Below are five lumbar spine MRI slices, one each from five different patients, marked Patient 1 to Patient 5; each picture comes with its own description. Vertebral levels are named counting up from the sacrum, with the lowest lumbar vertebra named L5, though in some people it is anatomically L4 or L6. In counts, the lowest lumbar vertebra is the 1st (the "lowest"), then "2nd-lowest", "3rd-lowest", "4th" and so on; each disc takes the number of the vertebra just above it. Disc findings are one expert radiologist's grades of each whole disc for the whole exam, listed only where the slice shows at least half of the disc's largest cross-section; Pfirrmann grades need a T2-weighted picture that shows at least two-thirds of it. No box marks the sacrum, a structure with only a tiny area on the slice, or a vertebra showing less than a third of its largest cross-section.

Patient 1 of 5:
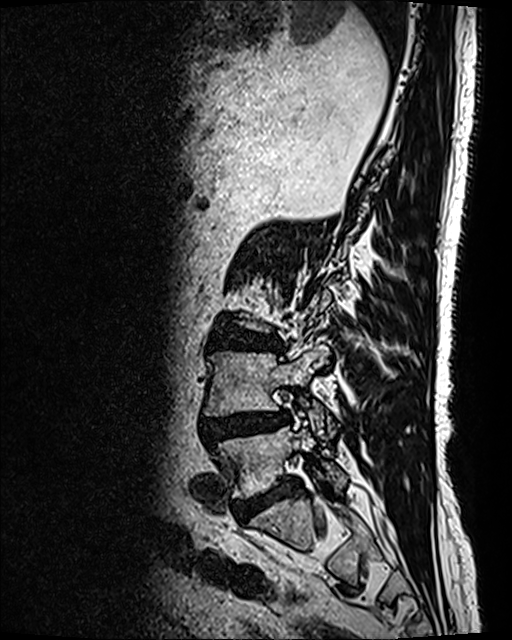 Lumbar spine MR, T2 SPACE (3D), sagittal; Sex M; Field of view 240x300 mm

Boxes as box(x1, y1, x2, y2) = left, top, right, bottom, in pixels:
Annotations:
- intervertebral disc L4/L5: box(201, 411, 288, 446)
- intervertebral disc L5/S1: box(242, 477, 297, 516)
- L5: box(218, 426, 346, 497)
- L3/L4: box(209, 328, 281, 352)
- L4 vertebra: box(204, 346, 329, 433)

Degenerative findings by level:
  L4/L5: Pfirrmann grade 4, disc bulging, upper-endplate change, Modic type II, disc herniation, disc narrowing, lower-endplate change, spondylolisthesis
  L3/L4: Pfirrmann grade 4, disc bulging, upper-endplate change, lower-endplate change

Patient 2 of 5:
MRI lumbar spine (T2-weighted), sagittal plane

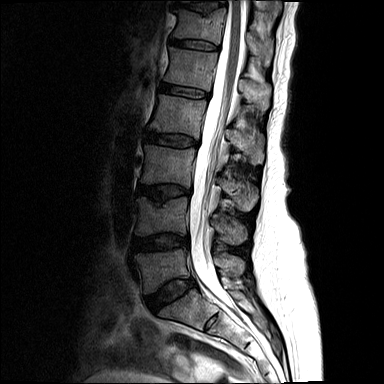
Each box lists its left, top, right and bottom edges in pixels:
7th disc: left=176, top=2, right=223, bottom=12.
4th disc: left=145, top=132, right=198, bottom=146.
Thecal sac / spinal canal: left=189, top=0, right=245, bottom=308.
7th vertebra: left=254, top=0, right=266, bottom=9.
2nd-lowest disc: left=133, top=234, right=187, bottom=249.
5th disc: left=160, top=83, right=208, bottom=98.
6th vertebra: left=173, top=8, right=272, bottom=62.
6th disc: left=170, top=39, right=216, bottom=50.
Lowest vertebra: left=134, top=249, right=244, bottom=293.
3rd-lowest vertebra: left=141, top=145, right=258, bottom=211.
5th vertebra: left=165, top=47, right=271, bottom=111.
4th vertebra: left=149, top=95, right=264, bottom=164.
Lowest disc: left=146, top=279, right=194, bottom=310.
2nd-lowest vertebra: left=135, top=197, right=247, bottom=244.
3rd-lowest disc: left=137, top=184, right=190, bottom=200.

Degenerative findings by level:
- 2nd-lowest disc: Pfirrmann grade 3, disc bulging
- 7th disc: Pfirrmann grade 3, upper-endplate change, lower-endplate change
- 3rd-lowest disc: Pfirrmann grade 3, upper-endplate change, disc narrowing, lower-endplate change, disc bulging
- 4th disc: Pfirrmann grade 3, upper-endplate change, lower-endplate change, disc bulging
- 6th disc: Pfirrmann grade 2
- 5th disc: Pfirrmann grade 2
- lowest disc: Pfirrmann grade 3, disc bulging

Patient 3 of 5:
Slice 4 of 17. 512x512 px. Sex F. Lumbar spine MR, T1-weighted, sagittal.
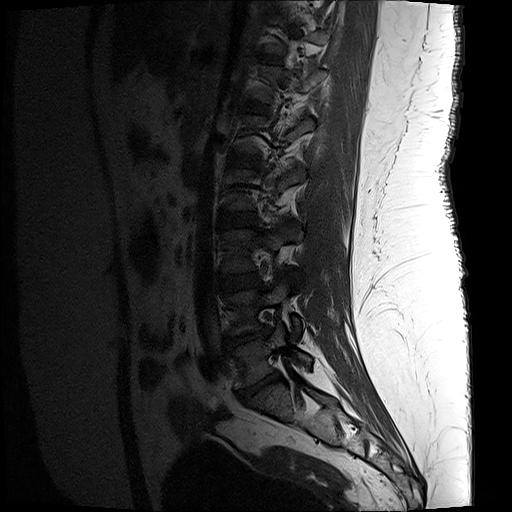

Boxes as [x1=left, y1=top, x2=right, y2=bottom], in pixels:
T12/L1 (6th disc) = [x1=253, y1=104, x2=265, y2=111] | IVD L2/L3 (4th disc) = [x1=220, y1=213, x2=255, y2=225] | L4 (2nd-lowest vertebra) = [x1=227, y1=276, x2=302, y2=334] | L3/L4 (3rd-lowest disc) = [x1=222, y1=274, x2=260, y2=289] | L1/L2 (5th disc) = [x1=232, y1=156, x2=257, y2=165] | L3 (3rd-lowest vertebra) = [x1=224, y1=221, x2=302, y2=284] | L5/S1 (lowest disc) = [x1=238, y1=373, x2=280, y2=400] | L5 (lowest vertebra) = [x1=228, y1=323, x2=312, y2=386] | L4/L5 (2nd-lowest disc) = [x1=224, y1=327, x2=270, y2=348]

Per-level radiological findings:
  L4/L5 (2nd-lowest disc): upper-endplate change, lower-endplate change, disc narrowing, disc herniation, Modic type II
  L5/S1 (lowest disc): disc herniation, disc narrowing, lower-endplate change, upper-endplate change, Modic type II
  L2/L3 (4th disc): upper-endplate change, lower-endplate change
  L3/L4 (3rd-lowest disc): no herniation, bulging, narrowing, spondylolisthesis, endplate or Modic change recorded

Patient 4 of 5:
Field of view 280x280 mm, Slice 12 of 24, Sagittal T1-weighted lumbar spine MRI, 448x448 px 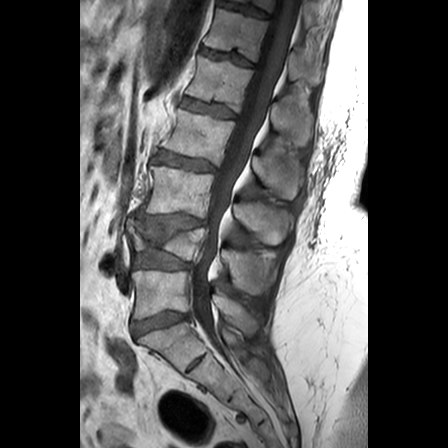

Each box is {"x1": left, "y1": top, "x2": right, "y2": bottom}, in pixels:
T12 vertebra: {"x1": 204, "y1": 8, "x2": 323, "y2": 84}
L5: {"x1": 133, "y1": 269, "x2": 258, "y2": 333}
L2: {"x1": 163, "y1": 108, "x2": 302, "y2": 199}
L4: {"x1": 127, "y1": 218, "x2": 274, "y2": 295}
L5/S1: {"x1": 131, "y1": 312, "x2": 187, "y2": 335}
disc L1/L2: {"x1": 181, "y1": 97, "x2": 235, "y2": 118}
L1 vertebra: {"x1": 186, "y1": 56, "x2": 312, "y2": 146}
disc T11/T12: {"x1": 219, "y1": 0, "x2": 269, "y2": 18}
L2/L3: {"x1": 154, "y1": 151, "x2": 215, "y2": 171}
L3/L4: {"x1": 138, "y1": 214, "x2": 205, "y2": 228}
T11 vertebra: {"x1": 236, "y1": 0, "x2": 332, "y2": 27}
L3 vertebra: {"x1": 142, "y1": 164, "x2": 292, "y2": 244}
L4/L5: {"x1": 134, "y1": 250, "x2": 188, "y2": 269}
thecal sac / spinal canal: {"x1": 190, "y1": 0, "x2": 298, "y2": 333}
T12/L1: {"x1": 200, "y1": 47, "x2": 253, "y2": 66}

Expert MSK radiologist gradings (per disc):
- L1/L2: upper-endplate change
- L2/L3: upper-endplate change, lower-endplate change
- L5/S1: disc bulging
- L4/L5: disc bulging, lower-endplate change
- L3/L4: upper-endplate change, lower-endplate change, disc bulging
- T11/T12: lower-endplate change
- T12/L1: upper-endplate change, lower-endplate change

Patient 5 of 5:
Field of view 240x300 mm; Image 512x640; SIEMENS Avanto_fit (1.5T); MRI lumbar spine (T2 SPACE (3D)), sagittal plane

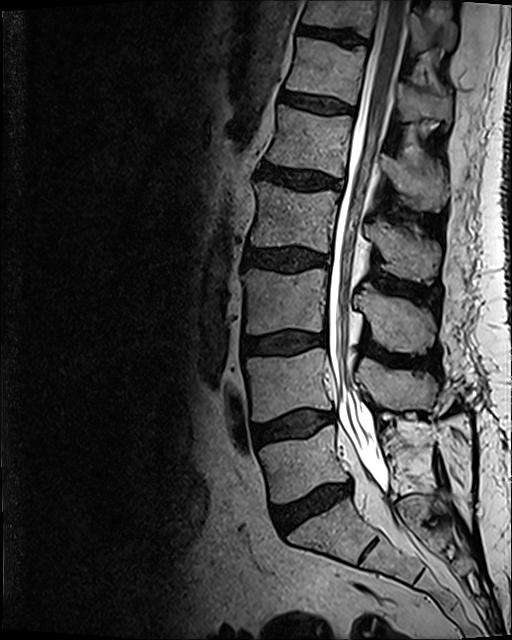
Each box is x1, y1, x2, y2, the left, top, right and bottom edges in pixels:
L2/L3 at 244, 248, 325, 270.
L2 vertebra at 252, 181, 440, 282.
L5 vertebra at 259, 424, 431, 502.
Spinal canal at 327, 0, 409, 494.
L4/L5 at 253, 411, 335, 445.
Intervertebral disc T11/T12 at 299, 24, 366, 45.
L1 at 267, 105, 445, 210.
Intervertebral disc L3/L4 at 244, 332, 319, 354.
Intervertebral disc T12/L1 at 280, 93, 353, 113.
Intervertebral disc L5/S1 at 272, 485, 350, 533.
L1/L2 at 258, 160, 339, 190.
T11 at 302, 0, 460, 54.
L3 at 243, 269, 435, 352.
T12 vertebra at 286, 38, 452, 126.
L4 vertebra at 246, 351, 437, 421.

Degenerative findings by level:
- L2/L3: Pfirrmann grade 3, disc bulging
- L3/L4: disc bulging, Modic type II
- L1/L2: Pfirrmann grade 3, disc bulging
- T11/T12: Pfirrmann grade 3
- L4/L5: Pfirrmann grade 2, disc bulging, Modic type II
- L5/S1: Pfirrmann grade 3, Modic type II, disc bulging, disc narrowing
- T12/L1: Pfirrmann grade 2